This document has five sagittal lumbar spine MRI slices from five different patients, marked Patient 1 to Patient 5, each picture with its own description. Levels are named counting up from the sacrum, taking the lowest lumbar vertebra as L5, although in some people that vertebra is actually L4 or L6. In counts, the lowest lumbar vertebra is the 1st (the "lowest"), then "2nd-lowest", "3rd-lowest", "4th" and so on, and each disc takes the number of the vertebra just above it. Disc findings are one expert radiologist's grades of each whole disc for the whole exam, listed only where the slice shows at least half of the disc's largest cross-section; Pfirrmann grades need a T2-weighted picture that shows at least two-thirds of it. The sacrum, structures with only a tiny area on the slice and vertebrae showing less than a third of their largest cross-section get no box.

Patient 1 of 5:
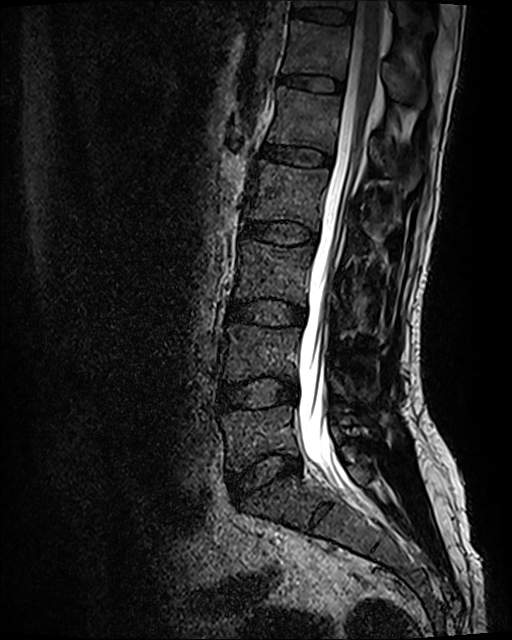
Image 512x640. Sagittal T2 SPACE (3D) lumbar spine MRI.
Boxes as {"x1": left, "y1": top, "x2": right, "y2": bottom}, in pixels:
Segmented structures:
- L3 (3rd-lowest vertebra): {"x1": 235, "y1": 238, "x2": 388, "y2": 335}
- T11 (7th vertebra): {"x1": 293, "y1": 0, "x2": 433, "y2": 29}
- T12 (6th vertebra): {"x1": 282, "y1": 19, "x2": 424, "y2": 106}
- thecal sac / spinal canal: {"x1": 299, "y1": 1, "x2": 384, "y2": 488}
- L1/L2 (5th disc): {"x1": 261, "y1": 143, "x2": 331, "y2": 165}
- L1 (5th vertebra): {"x1": 267, "y1": 86, "x2": 420, "y2": 189}
- intervertebral disc L3/L4 (3rd-lowest disc): {"x1": 227, "y1": 299, "x2": 305, "y2": 326}
- L4 (2nd-lowest vertebra): {"x1": 223, "y1": 324, "x2": 379, "y2": 401}
- intervertebral disc L2/L3 (4th disc): {"x1": 242, "y1": 220, "x2": 316, "y2": 244}
- intervertebral disc L5/S1 (lowest disc): {"x1": 228, "y1": 450, "x2": 301, "y2": 499}
- L5 (lowest vertebra): {"x1": 221, "y1": 404, "x2": 342, "y2": 471}
- intervertebral disc L4/L5 (2nd-lowest disc): {"x1": 220, "y1": 377, "x2": 297, "y2": 409}
- T11/T12 (7th disc): {"x1": 290, "y1": 6, "x2": 352, "y2": 24}
- L2 (4th vertebra): {"x1": 244, "y1": 159, "x2": 367, "y2": 253}
- T12/L1 (6th disc): {"x1": 280, "y1": 74, "x2": 343, "y2": 91}

Expert MSK radiologist gradings (per disc):
- L2/L3 (4th disc): Pfirrmann grade 2
- T12/L1 (6th disc): Pfirrmann grade 2
- L5/S1 (lowest disc): Pfirrmann grade 2, disc bulging
- L1/L2 (5th disc): Pfirrmann grade 2
- L3/L4 (3rd-lowest disc): Pfirrmann grade 2, disc bulging
- L4/L5 (2nd-lowest disc): Pfirrmann grade 2, disc bulging
- T11/T12 (7th disc): Pfirrmann grade 2

Patient 2 of 5:
Sagittal slice index 84, Sagittal T2 SPACE (3D) lumbar spine MRI, 512x640 px
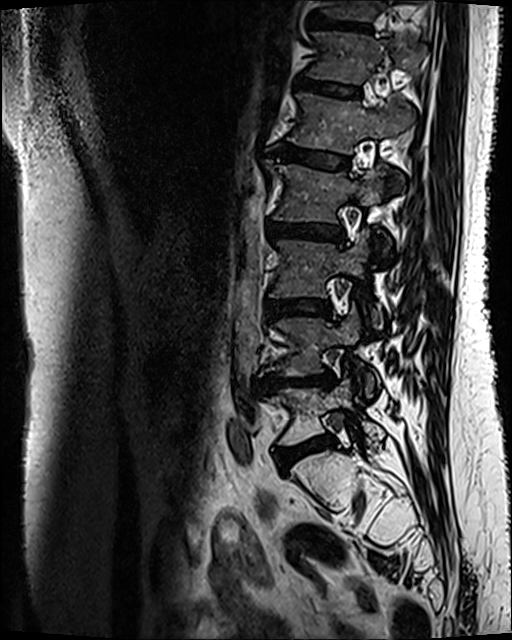 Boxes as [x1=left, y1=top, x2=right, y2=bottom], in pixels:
L3/L4 (3rd-lowest disc): [x1=265, y1=300, x2=331, y2=315].
T12 (6th vertebra): [x1=309, y1=32, x2=425, y2=83].
T11 (7th vertebra): [x1=321, y1=0, x2=416, y2=20].
Disc T11/T12 (7th disc): [x1=314, y1=20, x2=370, y2=31].
L2 (4th vertebra): [x1=274, y1=165, x2=383, y2=221].
L5/S1 (lowest disc): [x1=275, y1=435, x2=335, y2=470].
Disc L1/L2 (5th disc): [x1=276, y1=145, x2=348, y2=168].
L2/L3 (4th disc): [x1=268, y1=222, x2=344, y2=240].
L5 (lowest vertebra): [x1=268, y1=380, x2=384, y2=446].
L3 (3rd-lowest vertebra): [x1=271, y1=233, x2=380, y2=326].
L4 (2nd-lowest vertebra): [x1=260, y1=306, x2=377, y2=397].
L4/L5 (2nd-lowest disc): [x1=254, y1=372, x2=333, y2=392].
Disc T12/L1 (6th disc): [x1=298, y1=80, x2=360, y2=97].
L1 (5th vertebra): [x1=289, y1=93, x2=413, y2=154].

Radiological gradings:
  L1/L2 (5th disc): Pfirrmann grade 3, Modic type II
  L5/S1 (lowest disc): Modic type II, disc bulging
  L2/L3 (4th disc): Pfirrmann grade 3, disc bulging, Modic type II
  T12/L1 (6th disc): Pfirrmann grade 3, Modic type II
  L4/L5 (2nd-lowest disc): lower-endplate change, disc narrowing, upper-endplate change, Modic type II, disc bulging
  L3/L4 (3rd-lowest disc): Pfirrmann grade 3, disc bulging, Modic type II

Patient 3 of 5:
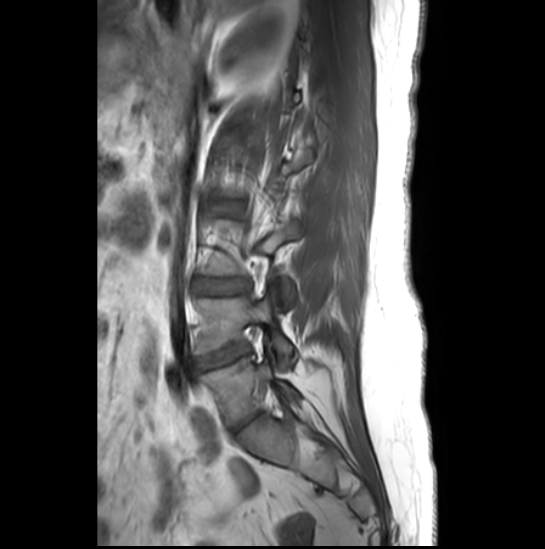 Lumbar spine MR, T1-weighted, sagittal

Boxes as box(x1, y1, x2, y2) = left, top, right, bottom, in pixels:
IVD L2/L3 (4th disc) at box(206, 201, 240, 214) | IVD L4/L5 (2nd-lowest disc) at box(197, 345, 248, 369) | L5 (lowest vertebra) at box(202, 357, 299, 424) | IVD L3/L4 (3rd-lowest disc) at box(195, 278, 246, 295) | L4 (2nd-lowest vertebra) at box(196, 297, 293, 368) | IVD L5/S1 (lowest disc) at box(234, 412, 261, 430)

Radiological gradings:
  L4/L5 (2nd-lowest disc): disc narrowing, disc herniation, lower-endplate change, Modic type II, upper-endplate change
  L3/L4 (3rd-lowest disc): no spondylolisthesis, narrowing, bulging, herniation, Modic or endplate change recorded

Patient 4 of 5:
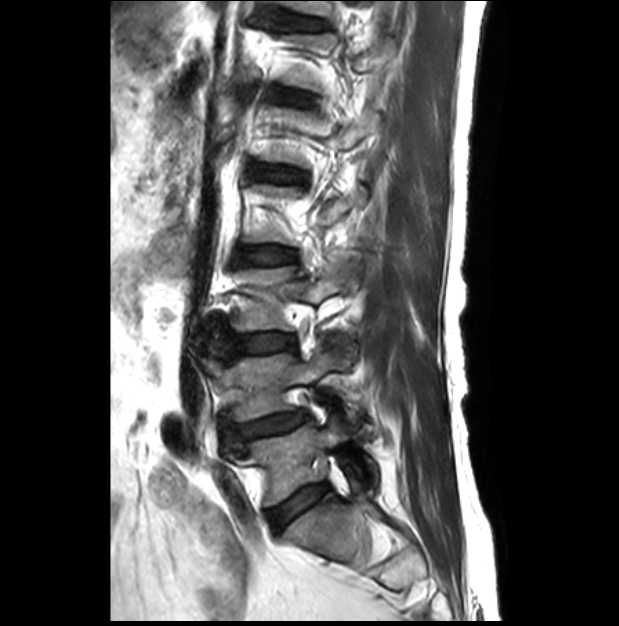 Slice 9/28. MRI lumbar spine (T2-weighted), sagittal plane.

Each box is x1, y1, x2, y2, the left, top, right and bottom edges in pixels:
IVD T12/L1 (6th disc) — 258, 87, 311, 106.
L4 (2nd-lowest vertebra) — 232, 349, 341, 420.
IVD L3/L4 (3rd-lowest disc) — 213, 329, 293, 360.
L2/L3 (4th disc) — 232, 244, 296, 265.
L5/S1 (lowest disc) — 269, 484, 328, 531.
L1/L2 (5th disc) — 249, 163, 308, 189.
T11/T12 (7th disc) — 301, 20, 318, 25.
L5 (lowest vertebra) — 250, 416, 377, 504.
L4/L5 (2nd-lowest disc) — 238, 412, 300, 435.
L3 (3rd-lowest vertebra) — 233, 260, 358, 331.

Degenerative findings by level:
  L3/L4 (3rd-lowest disc): Pfirrmann grade 1
  L2/L3 (4th disc), L5/S1 (lowest disc), T12/L1 (6th disc): no Modic or endplate change, herniation, narrowing, bulging or spondylolisthesis recorded

Patient 5 of 5:
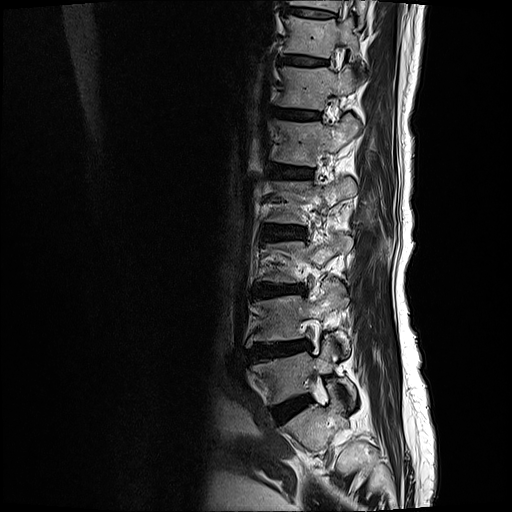 Sagittal T2-weighted lumbar spine MRI
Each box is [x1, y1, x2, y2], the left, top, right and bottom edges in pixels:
intervertebral disc L3/L4 (3rd-lowest disc): [253, 282, 303, 295] | intervertebral disc T11/T12 (7th disc): [279, 55, 324, 63] | intervertebral disc L4/L5 (2nd-lowest disc): [251, 341, 310, 357] | L1 (5th vertebra): [274, 113, 362, 166] | L4 (2nd-lowest vertebra): [247, 283, 349, 349] | intervertebral disc T12/L1 (6th disc): [274, 107, 319, 119] | L5/S1 (lowest disc): [282, 397, 309, 418] | L1/L2 (5th disc): [271, 164, 312, 178] | T12 (6th vertebra): [278, 64, 358, 109] | L2 (4th vertebra): [268, 178, 357, 222] | L5 (lowest vertebra): [252, 337, 356, 404] | intervertebral disc T10/T11 (8th disc): [283, 7, 334, 17] | T11 (7th vertebra): [283, 16, 358, 57] | T10 (8th vertebra): [291, 0, 366, 26] | L2/L3 (4th disc): [265, 225, 304, 239]

Degenerative findings by level:
- L1/L2 (5th disc): Pfirrmann grade 3, Modic type II, upper-endplate change, lower-endplate change
- T12/L1 (6th disc): Pfirrmann grade 2, upper-endplate change, lower-endplate change, Modic type II
- T11/T12 (7th disc): lower-endplate change, Modic type II, upper-endplate change
- L4/L5 (2nd-lowest disc): Pfirrmann grade 4, upper-endplate change, disc bulging, lower-endplate change, Modic type II, disc narrowing
- T10/T11 (8th disc): Pfirrmann grade 2, lower-endplate change, upper-endplate change
- L2/L3 (4th disc): disc bulging, Modic type II, upper-endplate change, lower-endplate change
- L3/L4 (3rd-lowest disc): disc bulging, upper-endplate change, disc narrowing, lower-endplate change, Modic type II